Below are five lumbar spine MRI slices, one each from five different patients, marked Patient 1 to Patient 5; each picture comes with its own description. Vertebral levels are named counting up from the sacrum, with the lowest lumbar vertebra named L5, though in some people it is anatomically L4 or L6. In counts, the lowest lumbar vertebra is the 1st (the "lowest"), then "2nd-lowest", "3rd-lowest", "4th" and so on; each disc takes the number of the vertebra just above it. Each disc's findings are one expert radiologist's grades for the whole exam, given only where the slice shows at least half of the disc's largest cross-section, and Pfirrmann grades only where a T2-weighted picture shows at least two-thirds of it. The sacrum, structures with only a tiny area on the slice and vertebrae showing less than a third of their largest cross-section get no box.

Patient 1 of 5:
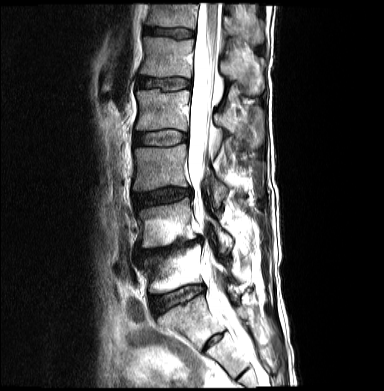

Sagittal slice index 8, Patient sex: M, Sagittal T2-weighted lumbar spine MRI, Field of view 260x265 mm, 384x391 px
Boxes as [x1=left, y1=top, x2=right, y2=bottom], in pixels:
3rd-lowest disc: [x1=133, y1=188, x2=191, y2=208]
2nd-lowest disc: [x1=136, y1=238, x2=200, y2=259]
4th disc: [x1=135, y1=131, x2=186, y2=145]
4th vertebra: [x1=136, y1=89, x2=262, y2=146]
3rd-lowest vertebra: [x1=133, y1=144, x2=227, y2=207]
5th disc: [x1=137, y1=77, x2=190, y2=89]
5th vertebra: [x1=140, y1=38, x2=263, y2=94]
lowest disc: [x1=151, y1=286, x2=203, y2=313]
6th vertebra: [x1=146, y1=5, x2=263, y2=44]
thecal sac / spinal canal: [x1=188, y1=3, x2=234, y2=327]
lowest vertebra: [x1=139, y1=244, x2=234, y2=292]
6th disc: [x1=145, y1=27, x2=193, y2=38]
2nd-lowest vertebra: [x1=137, y1=198, x2=232, y2=252]

Per-level radiological findings:
  4th disc: Pfirrmann grade 2
  3rd-lowest disc: Pfirrmann grade 3, disc narrowing, disc bulging
  6th disc: Pfirrmann grade 3
  2nd-lowest disc: Pfirrmann grade 5, upper-endplate change, disc herniation, disc narrowing, lower-endplate change, Modic type II, disc bulging
  lowest disc: Pfirrmann grade 2, Modic type II
  5th disc: Pfirrmann grade 2

Patient 2 of 5:
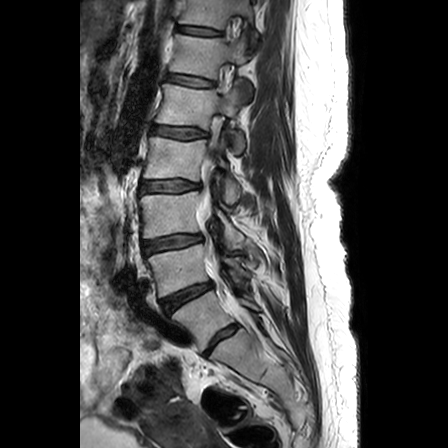

MRI lumbar spine (T2-weighted), sagittal plane | 448x448 px
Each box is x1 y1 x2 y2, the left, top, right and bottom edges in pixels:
Segmented structures:
- T11/T12 = 177 26 222 36
- L4/L5 = 162 283 211 312
- disc L3/L4 = 143 235 201 253
- L1 vertebra = 156 81 244 153
- L5 vertebra = 172 291 261 351
- L4 = 147 244 251 296
- L3 vertebra = 140 191 243 248
- disc L5/S1 = 206 324 236 352
- L2/L3 = 141 180 200 192
- thecal sac / spinal canal = 198 158 214 261
- T11 = 179 0 257 47
- L2 = 143 137 240 204
- L1/L2 = 152 126 207 138
- T12 = 169 34 252 99
- disc T12/L1 = 167 74 214 86

Expert MSK radiologist gradings (per disc):
- L3/L4: Pfirrmann grade 3, disc bulging, lower-endplate change, upper-endplate change
- T12/L1: Pfirrmann grade 2, upper-endplate change, lower-endplate change
- L4/L5: Pfirrmann grade 4, disc narrowing, disc bulging
- L2/L3: Pfirrmann grade 3, upper-endplate change, lower-endplate change, disc bulging
- T11/T12: Pfirrmann grade 2, lower-endplate change, upper-endplate change
- L5/S1: Pfirrmann grade 3
- L1/L2: Pfirrmann grade 3, upper-endplate change, disc bulging, lower-endplate change

Patient 3 of 5:
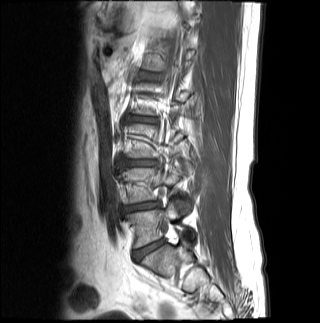 Slice 14 of 19; T1-weighted sagittal MRI of the lumbar spine

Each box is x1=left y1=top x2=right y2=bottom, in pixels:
* L3/L4 = x1=127 y1=160 x2=155 y2=166
* L5/S1 = x1=134 y1=241 x2=163 y2=260
* intervertebral disc L4/L5 = x1=125 y1=201 x2=159 y2=212
* L2/L3 = x1=133 y1=117 x2=154 y2=121
* L5 vertebra = x1=127 y1=201 x2=193 y2=247
* L4 = x1=123 y1=164 x2=189 y2=210

Expert MSK radiologist gradings (per disc):
  L4/L5: lower-endplate change, disc bulging, disc narrowing
  L5/S1: no Modic or endplate change, herniation, narrowing, bulging or spondylolisthesis recorded

Patient 4 of 5:
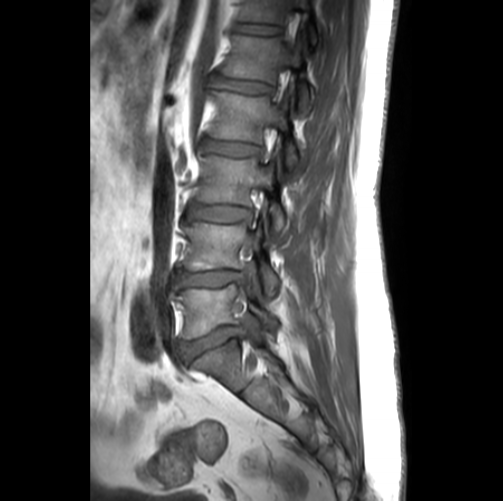

Slice 10/26. Lumbar spine MR, T1-weighted, sagittal.

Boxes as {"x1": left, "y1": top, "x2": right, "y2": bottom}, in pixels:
Disc L1/L2 (5th disc) at {"x1": 215, "y1": 75, "x2": 271, "y2": 93}.
L1 (5th vertebra) at {"x1": 222, "y1": 29, "x2": 315, "y2": 114}.
L3 (3rd-lowest vertebra) at {"x1": 196, "y1": 151, "x2": 286, "y2": 235}.
Disc L4/L5 (2nd-lowest disc) at {"x1": 176, "y1": 270, "x2": 244, "y2": 288}.
L4 (2nd-lowest vertebra) at {"x1": 184, "y1": 213, "x2": 279, "y2": 295}.
L5 (lowest vertebra) at {"x1": 176, "y1": 281, "x2": 277, "y2": 338}.
T12 (6th vertebra) at {"x1": 239, "y1": 0, "x2": 317, "y2": 50}.
T12/L1 (6th disc) at {"x1": 234, "y1": 23, "x2": 279, "y2": 34}.
L2 (4th vertebra) at {"x1": 210, "y1": 86, "x2": 301, "y2": 169}.
Disc L5/S1 (lowest disc) at {"x1": 179, "y1": 327, "x2": 243, "y2": 364}.
Disc L2/L3 (4th disc) at {"x1": 201, "y1": 139, "x2": 260, "y2": 156}.
Disc L3/L4 (3rd-lowest disc) at {"x1": 187, "y1": 203, "x2": 251, "y2": 221}.

Degenerative findings by level:
- L5/S1 (lowest disc): disc narrowing, disc bulging
- L4/L5 (2nd-lowest disc): disc bulging, Modic type II, upper-endplate change, lower-endplate change, disc narrowing
- L2/L3 (4th disc), L3/L4 (3rd-lowest disc), T12/L1 (6th disc), L1/L2 (5th disc): no Modic or endplate change, herniation, narrowing, bulging or spondylolisthesis recorded

Patient 5 of 5:
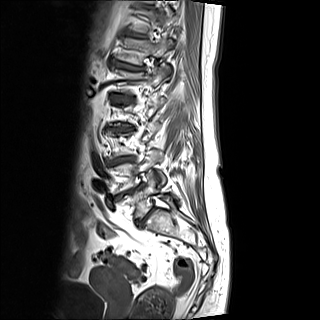

Field of view 300x300 mm, T1-weighted sagittal MRI of the lumbar spine, 320x320 px, Patient sex: F, Slice 13/15

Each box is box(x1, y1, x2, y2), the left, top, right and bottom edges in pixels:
IVD L5/S1: box(137, 209, 155, 226)
IVD L4/L5: box(114, 184, 143, 199)
T12/L1: box(112, 60, 144, 70)
L1/L2: box(111, 94, 131, 101)
T11: box(129, 9, 177, 33)
L4: box(112, 149, 165, 194)
IVD L3/L4: box(108, 157, 134, 164)
T12: box(115, 37, 173, 65)
L1 vertebra: box(115, 63, 170, 94)
L5 vertebra: box(117, 172, 159, 218)
T11/T12: box(125, 31, 148, 37)
IVD L2/L3: box(109, 127, 133, 130)

Expert MSK radiologist gradings (per disc):
- T12/L1: Modic type II, upper-endplate change, disc bulging, disc narrowing, lower-endplate change
- L3/L4: disc narrowing, lower-endplate change, Modic type II, disc bulging, upper-endplate change
- L4/L5: disc narrowing, lower-endplate change, Modic type II, upper-endplate change, disc bulging